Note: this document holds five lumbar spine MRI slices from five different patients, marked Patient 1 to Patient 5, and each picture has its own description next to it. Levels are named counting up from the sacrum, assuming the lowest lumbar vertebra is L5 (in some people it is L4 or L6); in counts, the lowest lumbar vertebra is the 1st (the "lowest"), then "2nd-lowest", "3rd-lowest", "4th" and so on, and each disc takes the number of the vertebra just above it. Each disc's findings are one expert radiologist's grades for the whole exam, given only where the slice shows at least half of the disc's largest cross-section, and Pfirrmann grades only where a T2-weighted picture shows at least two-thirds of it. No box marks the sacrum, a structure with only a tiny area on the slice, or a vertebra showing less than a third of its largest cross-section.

Patient 1 of 5:
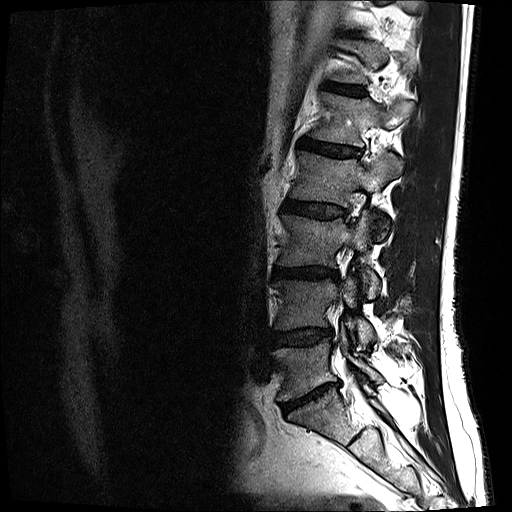 Lumbar spine MR, T2-weighted, sagittal | Patient sex: M
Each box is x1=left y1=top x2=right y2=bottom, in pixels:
L3 at x1=278 y1=211 x2=380 y2=298, L2/L3 at x1=284 y1=199 x2=346 y2=218, intervertebral disc L4/L5 at x1=272 y1=329 x2=331 y2=346, intervertebral disc T12/L1 at x1=325 y1=83 x2=365 y2=95, L1 vertebra at x1=310 y1=93 x2=413 y2=147, intervertebral disc L3/L4 at x1=274 y1=267 x2=338 y2=279, L5 at x1=274 y1=326 x2=382 y2=400, L4 at x1=275 y1=276 x2=376 y2=348, L2 at x1=291 y1=150 x2=403 y2=234, intervertebral disc L5/S1 at x1=281 y1=382 x2=339 y2=414, L1/L2 at x1=300 y1=139 x2=357 y2=157.

Degenerative findings by level:
  L5/S1: Pfirrmann grade 5, Modic type II, disc bulging, disc narrowing
  L3/L4: Pfirrmann grade 4, disc bulging, disc narrowing, lower-endplate change
  L4/L5: Pfirrmann grade 3, disc bulging, disc narrowing
  L1/L2: Pfirrmann grade 4
  L2/L3: Pfirrmann grade 3, disc bulging
  T12/L1: no herniation, bulging, narrowing, spondylolisthesis, endplate or Modic change recorded

Patient 2 of 5:
512x519 px. Lumbar spine MR, T1-weighted, sagittal.

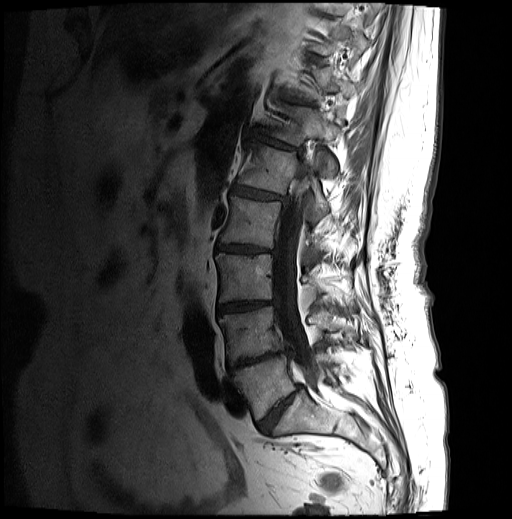 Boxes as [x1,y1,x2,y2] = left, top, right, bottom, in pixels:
Lowest vertebra at [234,351,336,419], 3rd-lowest vertebra at [215,254,327,301], 6th vertebra at [268,102,340,177], 4th vertebra at [220,197,358,257], thecal sac / spinal canal at [274,160,322,387], 5th disc at [231,187,285,200], 2nd-lowest vertebra at [219,306,356,364], 8th vertebra at [310,19,368,56], lowest disc at [257,383,301,434], 6th disc at [251,133,301,152], 4th disc at [217,244,273,253], 7th vertebra at [295,64,358,101], 2nd-lowest disc at [229,350,288,372], 3rd-lowest disc at [218,300,275,314], 5th vertebra at [237,144,329,221].

Degenerative findings by level:
• 5th disc: upper-endplate change, disc bulging, Modic type II, disc narrowing, lower-endplate change
• lowest disc: disc narrowing, disc bulging
• 6th disc: disc bulging, disc narrowing, lower-endplate change, upper-endplate change, Modic type II
• 2nd-lowest disc: Modic type II, disc narrowing, disc bulging, lower-endplate change, upper-endplate change
• 3rd-lowest disc: disc narrowing, lower-endplate change, Modic type II, disc bulging, upper-endplate change
• 4th disc: upper-endplate change, disc bulging, lower-endplate change, disc narrowing, Modic type II

Patient 3 of 5:
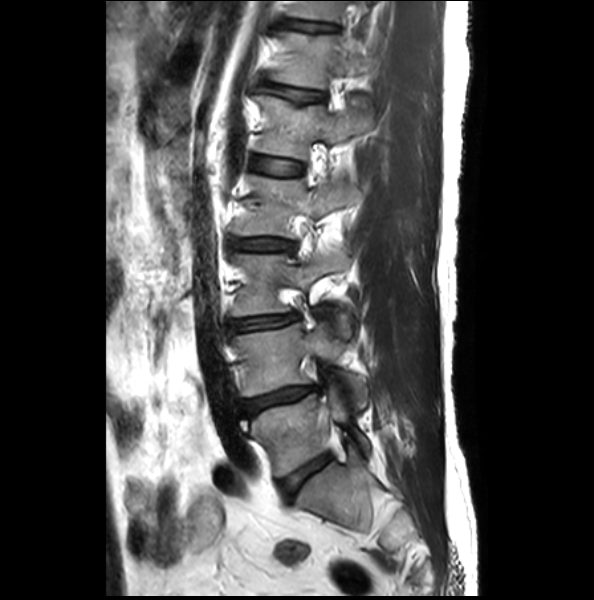 Lumbar spine MR, T2-weighted, sagittal

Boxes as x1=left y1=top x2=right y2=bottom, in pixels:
Disc L4/L5 at x1=239 y1=385 x2=317 y2=417, disc L1/L2 at x1=252 y1=157 x2=301 y2=176, L1 at x1=256 y1=96 x2=372 y2=160, L5 at x1=241 y1=373 x2=370 y2=476, L5/S1 at x1=278 y1=452 x2=332 y2=497, L4 vertebra at x1=232 y1=323 x2=368 y2=409, disc T11/T12 at x1=286 y1=21 x2=333 y2=32, disc L3/L4 at x1=229 y1=314 x2=297 y2=332, T11 vertebra at x1=289 y1=2 x2=340 y2=22, L3 vertebra at x1=231 y1=248 x2=352 y2=336, disc T12/L1 at x1=261 y1=83 x2=324 y2=102, disc L2/L3 at x1=231 y1=239 x2=293 y2=251, T12 vertebra at x1=269 y1=34 x2=368 y2=90, L2 at x1=232 y1=175 x2=357 y2=238.

Radiological gradings:
  L4/L5: Pfirrmann grade 2, lower-endplate change, disc bulging, disc narrowing
  L5/S1: upper-endplate change, lower-endplate change
  L1/L2: Pfirrmann grade 1, upper-endplate change
  L2/L3: disc bulging, disc narrowing
  T11/T12: Pfirrmann grade 1, lower-endplate change, disc bulging, upper-endplate change
  L3/L4: disc narrowing, disc bulging
  T12/L1: Pfirrmann grade 2, upper-endplate change, disc bulging

Patient 4 of 5:
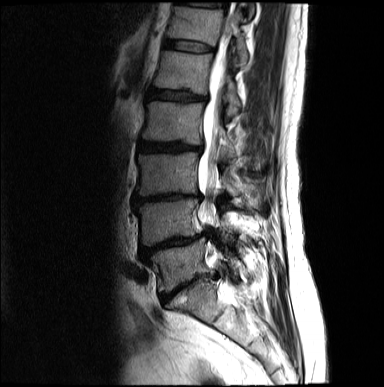 Image 384x387. Sagittal slice index 7. Sex M. Sagittal T2-weighted lumbar spine MRI.

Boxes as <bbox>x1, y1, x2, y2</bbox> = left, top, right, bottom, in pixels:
L3 (3rd-lowest vertebra): <bbox>136, 152, 238, 196</bbox>
spinal canal: <bbox>197, 21, 229, 237</bbox>
T12 (6th vertebra): <bbox>168, 7, 247, 66</bbox>
L5/S1 (lowest disc): <bbox>160, 274, 214, 303</bbox>
intervertebral disc L2/L3 (4th disc): <bbox>138, 140, 201, 151</bbox>
L1/L2 (5th disc): <bbox>148, 88, 207, 101</bbox>
intervertebral disc T12/L1 (6th disc): <bbox>164, 40, 212, 51</bbox>
L5 (lowest vertebra): <bbox>149, 238, 248, 291</bbox>
L1 (5th vertebra): <bbox>154, 51, 240, 117</bbox>
L3/L4 (3rd-lowest disc): <bbox>132, 194, 199, 204</bbox>
intervertebral disc T11/T12 (7th disc): <bbox>180, 1, 219, 7</bbox>
L4/L5 (2nd-lowest disc): <bbox>140, 234, 205, 262</bbox>
L2 (4th vertebra): <bbox>142, 101, 236, 157</bbox>
L4 (2nd-lowest vertebra): <bbox>134, 198, 234, 246</bbox>

Per-level radiological findings:
- L2/L3 (4th disc): Pfirrmann grade 4, disc bulging, lower-endplate change, disc narrowing, upper-endplate change
- L3/L4 (3rd-lowest disc): disc narrowing, upper-endplate change, disc bulging, lower-endplate change
- L4/L5 (2nd-lowest disc): Pfirrmann grade 4, disc bulging, lower-endplate change, upper-endplate change, disc narrowing
- T11/T12 (7th disc): Pfirrmann grade 2
- L1/L2 (5th disc): Pfirrmann grade 3, disc bulging, lower-endplate change, upper-endplate change
- T12/L1 (6th disc): Pfirrmann grade 2
- L5/S1 (lowest disc): Pfirrmann grade 5, disc bulging, disc narrowing, lower-endplate change, upper-endplate change

Patient 5 of 5:
Sagittal T2 SPACE (3D) lumbar spine MRI, Scanner: SIEMENS Avanto_fit (1.5T) 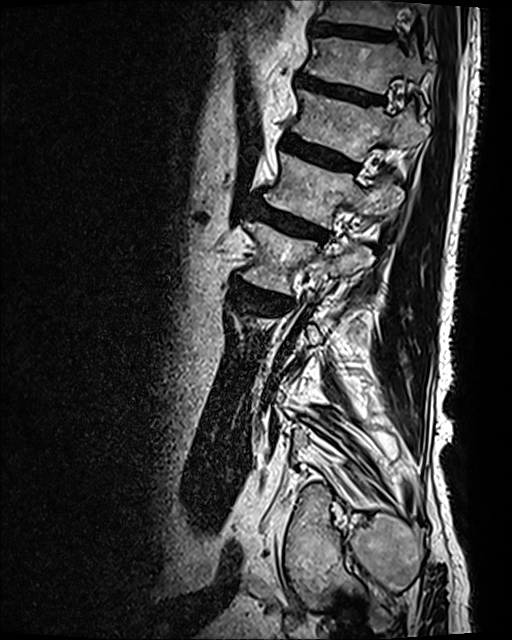

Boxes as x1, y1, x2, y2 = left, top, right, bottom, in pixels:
4th vertebra = 242, 222, 372, 292.
8th disc = 311, 23, 393, 41.
5th vertebra = 265, 153, 404, 228.
7th vertebra = 304, 38, 426, 109.
6th disc = 282, 134, 357, 171.
8th vertebra = 318, 0, 427, 30.
5th disc = 255, 199, 328, 239.
6th vertebra = 292, 89, 428, 161.
7th disc = 298, 73, 383, 102.
4th disc = 233, 279, 290, 309.

Expert MSK radiologist gradings (per disc):
• 7th disc: Pfirrmann grade 4, lower-endplate change, disc bulging, upper-endplate change
• 5th disc: Pfirrmann grade 4, disc bulging, upper-endplate change, Modic type II, lower-endplate change
• 8th disc: Pfirrmann grade 3
• 6th disc: Pfirrmann grade 4, lower-endplate change, disc bulging, upper-endplate change, Modic type II
• 4th disc: Pfirrmann grade 4, disc bulging, Modic type I, lower-endplate change, disc narrowing, upper-endplate change